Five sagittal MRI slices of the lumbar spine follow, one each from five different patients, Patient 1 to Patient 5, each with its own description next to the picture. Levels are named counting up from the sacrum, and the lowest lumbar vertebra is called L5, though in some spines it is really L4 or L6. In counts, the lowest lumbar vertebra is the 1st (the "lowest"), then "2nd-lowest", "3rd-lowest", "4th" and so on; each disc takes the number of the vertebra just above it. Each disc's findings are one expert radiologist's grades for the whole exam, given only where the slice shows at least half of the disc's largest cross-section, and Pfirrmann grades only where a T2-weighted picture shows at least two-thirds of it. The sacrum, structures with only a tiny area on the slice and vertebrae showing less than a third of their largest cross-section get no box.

Patient 1 of 5:
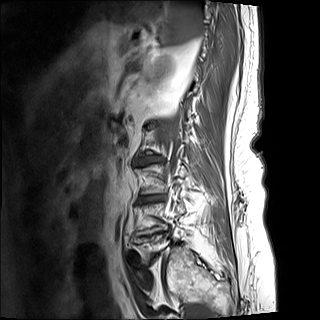

Slice 15 of 17; Sex F; Sagittal T1-weighted lumbar spine MRI
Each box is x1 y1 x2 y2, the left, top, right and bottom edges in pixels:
Disc L3/L4 at 140 195 163 202.
Disc L2/L3 at 143 156 158 161.

Radiological gradings:
• L3/L4: upper-endplate change, Modic type II, disc narrowing, disc bulging, lower-endplate change

Patient 2 of 5:
MRI lumbar spine (T1-weighted), sagittal plane.

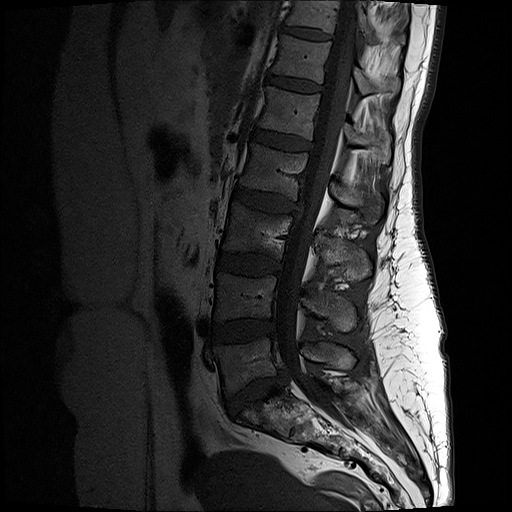

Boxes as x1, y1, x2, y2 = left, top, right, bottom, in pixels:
Lowest vertebra at 214, 337, 355, 393; 2nd-lowest vertebra at 214, 272, 356, 330; 7th vertebra at 286, 0, 405, 44; 6th vertebra at 273, 34, 401, 93; 6th disc at 268, 74, 322, 91; 3rd-lowest disc at 218, 252, 279, 274; 5th vertebra at 258, 86, 391, 162; 4th disc at 233, 186, 301, 213; lowest disc at 227, 377, 281, 416; thecal sac / spinal canal at 277, 0, 356, 416; 2nd-lowest disc at 210, 321, 275, 341; 7th disc at 281, 26, 331, 40; 3rd-lowest vertebra at 222, 203, 370, 276; 4th vertebra at 240, 143, 385, 223; 5th disc at 252, 129, 312, 149.

Radiological gradings:
• lowest disc: disc narrowing, upper-endplate change, disc herniation, lower-endplate change
• 2nd-lowest disc: disc bulging
• 4th disc: disc bulging
• 3rd-lowest disc, 5th disc, 6th disc, 7th disc: no herniation, bulging, narrowing, spondylolisthesis, endplate or Modic change recorded

Patient 3 of 5:
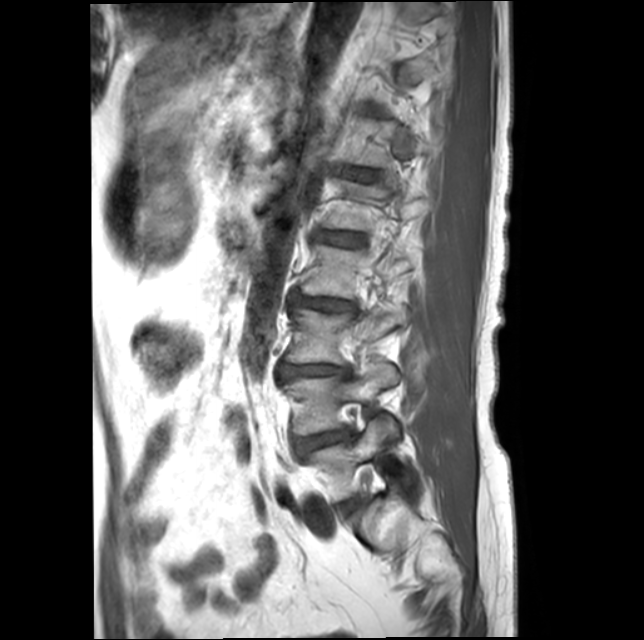

644x640 px | Lumbar spine MR, T1-weighted, sagittal
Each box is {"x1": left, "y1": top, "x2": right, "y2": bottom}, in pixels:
- L2: {"x1": 301, "y1": 245, "x2": 415, "y2": 298}
- L3/L4: {"x1": 279, "y1": 365, "x2": 350, "y2": 376}
- intervertebral disc T12/L1: {"x1": 347, "y1": 169, "x2": 377, "y2": 180}
- L4: {"x1": 284, "y1": 362, "x2": 397, "y2": 434}
- L5 vertebra: {"x1": 304, "y1": 421, "x2": 392, "y2": 501}
- L5/S1: {"x1": 341, "y1": 498, "x2": 360, "y2": 513}
- L1/L2: {"x1": 323, "y1": 233, "x2": 364, "y2": 246}
- intervertebral disc L4/L5: {"x1": 294, "y1": 430, "x2": 351, "y2": 453}
- L3: {"x1": 287, "y1": 309, "x2": 405, "y2": 364}
- L2/L3: {"x1": 291, "y1": 296, "x2": 354, "y2": 310}
- L1 vertebra: {"x1": 321, "y1": 180, "x2": 428, "y2": 231}

Expert MSK radiologist gradings (per disc):
  L4/L5: Modic type II, disc bulging, upper-endplate change, lower-endplate change
  L2/L3: disc narrowing, upper-endplate change, disc bulging, lower-endplate change, Modic type II
  L3/L4: upper-endplate change, Modic type II, disc narrowing, lower-endplate change, disc bulging
  L1/L2: Modic type II

Patient 4 of 5:
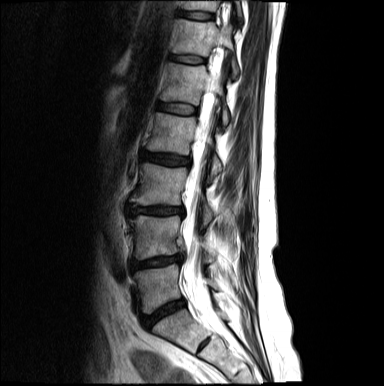

Sagittal T2-weighted lumbar spine MRI; 384x386 px
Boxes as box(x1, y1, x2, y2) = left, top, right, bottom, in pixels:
Segmented structures:
• 2nd-lowest vertebra — box(129, 215, 213, 261)
• 7th disc — box(181, 11, 214, 20)
• 3rd-lowest vertebra — box(130, 163, 214, 223)
• 6th vertebra — box(173, 19, 239, 78)
• 7th vertebra — box(183, 0, 242, 18)
• spinal canal — box(182, 62, 220, 325)
• 5th disc — box(158, 103, 196, 115)
• lowest vertebra — box(134, 264, 217, 313)
• 2nd-lowest disc — box(131, 254, 182, 269)
• 5th vertebra — box(160, 63, 229, 127)
• 3rd-lowest disc — box(127, 205, 183, 215)
• 4th vertebra — box(147, 112, 221, 179)
• lowest disc — box(143, 300, 184, 326)
• 4th disc — box(143, 152, 189, 165)
• 6th disc — box(172, 55, 205, 63)

Expert MSK radiologist gradings (per disc):
- 4th disc: Pfirrmann grade 3, disc bulging
- lowest disc: Pfirrmann grade 4, disc narrowing, disc bulging
- 5th disc: Pfirrmann grade 2
- 2nd-lowest disc: Pfirrmann grade 4, disc herniation, disc narrowing, disc bulging
- 3rd-lowest disc: Pfirrmann grade 4, upper-endplate change, disc bulging, lower-endplate change, disc narrowing
- 7th disc, 6th disc: no Modic or endplate change, herniation, narrowing, bulging or spondylolisthesis recorded

Patient 5 of 5:
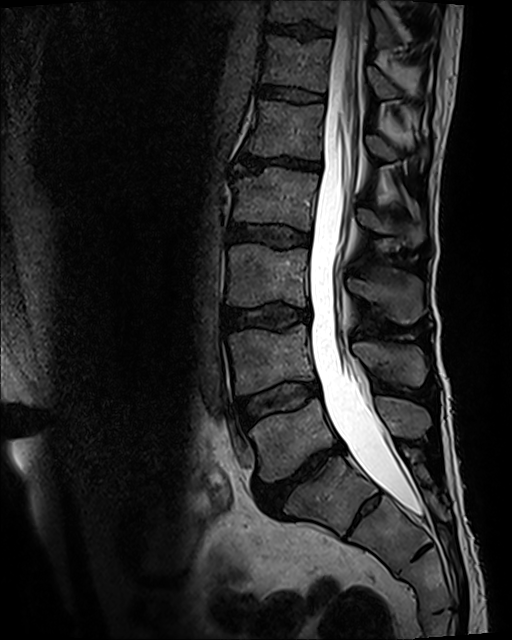

Sagittal T2 SPACE (3D) lumbar spine MRI | Slice 59 of 120 | 512x640 px
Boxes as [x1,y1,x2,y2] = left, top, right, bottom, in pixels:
• intervertebral disc L5/S1: [257,442,343,510]
• T11/T12: [268,23,330,38]
• L3: [226,244,425,324]
• intervertebral disc L3/L4: [225,308,310,330]
• intervertebral disc T12/L1: [259,81,323,102]
• intervertebral disc L4/L5: [240,382,318,426]
• L1: [246,100,427,166]
• L5 vertebra: [249,396,430,481]
• L2 vertebra: [232,167,423,247]
• T11 vertebra: [269,0,394,46]
• L4 vertebra: [229,324,426,395]
• T12 vertebra: [262,35,399,97]
• intervertebral disc L2/L3: [228,223,310,247]
• spinal canal: [308,0,422,514]
• intervertebral disc L1/L2: [233,154,319,173]

Expert MSK radiologist gradings (per disc):
- L4/L5: Pfirrmann grade 3, Modic type II
- L1/L2: Pfirrmann grade 5, Modic type II, lower-endplate change, disc bulging, upper-endplate change, disc narrowing
- L5/S1: Pfirrmann grade 5, disc bulging, Modic type II, lower-endplate change, disc narrowing, upper-endplate change
- L3/L4: Pfirrmann grade 3, lower-endplate change, upper-endplate change, disc bulging
- L2/L3: Pfirrmann grade 3
- T11/T12: Pfirrmann grade 3, upper-endplate change, lower-endplate change
- T12/L1: Pfirrmann grade 3